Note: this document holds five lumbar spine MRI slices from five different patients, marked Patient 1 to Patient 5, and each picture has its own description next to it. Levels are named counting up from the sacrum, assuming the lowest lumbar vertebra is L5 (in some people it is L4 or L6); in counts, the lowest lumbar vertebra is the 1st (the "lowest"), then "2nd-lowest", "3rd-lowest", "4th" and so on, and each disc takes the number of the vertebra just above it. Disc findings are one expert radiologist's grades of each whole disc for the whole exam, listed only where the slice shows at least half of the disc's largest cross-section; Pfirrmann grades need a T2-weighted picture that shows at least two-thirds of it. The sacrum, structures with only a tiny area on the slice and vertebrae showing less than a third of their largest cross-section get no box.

Patient 1 of 5:
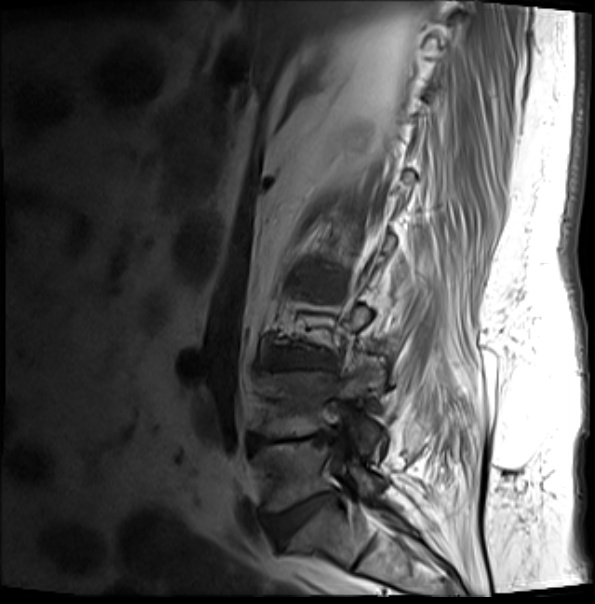
Image 595x604. T1-weighted sagittal MRI of the lumbar spine.

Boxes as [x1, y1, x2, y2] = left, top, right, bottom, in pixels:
L4 vertebra — [253, 362, 382, 453] | intervertebral disc L5/S1 — [272, 493, 336, 543] | L3/L4 — [270, 353, 321, 369] | L4/L5 — [251, 432, 334, 448] | L5 — [253, 441, 384, 512]

Radiological gradings:
- L5/S1: disc bulging, upper-endplate change, Modic type II, lower-endplate change, disc narrowing
- L4/L5: lower-endplate change, upper-endplate change, disc bulging, Modic type II, disc narrowing

Patient 2 of 5:
Lumbar spine MR, T2 SPACE (3D), sagittal. Slice 52 of 120. Field of view 240x300 mm, slice spacing 0.9 mm.
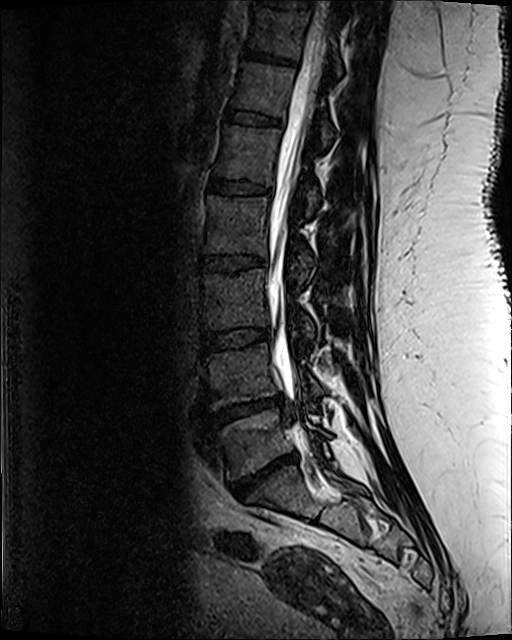 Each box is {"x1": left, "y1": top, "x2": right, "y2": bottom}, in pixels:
Annotations:
* IVD L3/L4 = {"x1": 204, "y1": 329, "x2": 269, "y2": 350}
* L3 vertebra = {"x1": 204, "y1": 270, "x2": 314, "y2": 342}
* L4/L5 = {"x1": 211, "y1": 399, "x2": 283, "y2": 424}
* L5/S1 = {"x1": 231, "y1": 453, "x2": 296, "y2": 497}
* T11 vertebra = {"x1": 250, "y1": 8, "x2": 341, "y2": 75}
* L2/L3 = {"x1": 201, "y1": 256, "x2": 265, "y2": 271}
* IVD L1/L2 = {"x1": 210, "y1": 180, "x2": 270, "y2": 194}
* thecal sac / spinal canal = {"x1": 267, "y1": 5, "x2": 328, "y2": 440}
* L2 vertebra = {"x1": 205, "y1": 197, "x2": 313, "y2": 281}
* T12 vertebra = {"x1": 233, "y1": 63, "x2": 331, "y2": 144}
* L4 = {"x1": 207, "y1": 344, "x2": 321, "y2": 407}
* L1 = {"x1": 215, "y1": 125, "x2": 319, "y2": 215}
* L5 vertebra = {"x1": 213, "y1": 410, "x2": 330, "y2": 478}
* IVD T10/T11 = {"x1": 261, "y1": 0, "x2": 312, "y2": 8}
* IVD T12/L1 = {"x1": 227, "y1": 111, "x2": 282, "y2": 126}
* T11/T12 = {"x1": 244, "y1": 51, "x2": 281, "y2": 62}

Expert MSK radiologist gradings (per disc):
  L4/L5: lower-endplate change, upper-endplate change, disc narrowing, Modic type II, disc herniation
  T12/L1: Pfirrmann grade 3
  L5/S1: Pfirrmann grade 5, Modic type II, disc narrowing, lower-endplate change, disc herniation, upper-endplate change
  L3/L4: Pfirrmann grade 3
  L1/L2: Pfirrmann grade 3, lower-endplate change
  L2/L3: Pfirrmann grade 3, upper-endplate change, lower-endplate change

Patient 3 of 5:
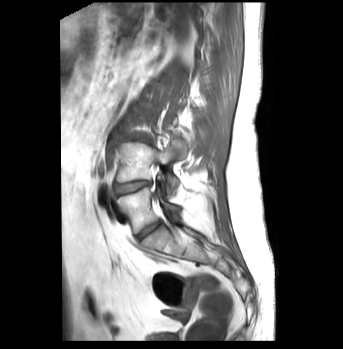 Image 343x349, Slice 29 of 43, Sagittal T1-weighted lumbar spine MRI

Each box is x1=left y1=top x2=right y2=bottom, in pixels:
L5 (lowest vertebra) — x1=118 y1=187 x2=180 y2=233.
L4 (2nd-lowest vertebra) — x1=116 y1=138 x2=186 y2=195.
L4/L5 (2nd-lowest disc) — x1=114 y1=181 x2=151 y2=196.
Disc L3/L4 (3rd-lowest disc) — x1=129 y1=137 x2=151 y2=143.
Disc L5/S1 (lowest disc) — x1=137 y1=219 x2=161 y2=240.

Degenerative findings by level:
  L4/L5 (2nd-lowest disc): disc bulging, disc narrowing, Modic type II, lower-endplate change
  L5/S1 (lowest disc): no herniation, bulging, narrowing, spondylolisthesis, endplate or Modic change recorded

Patient 4 of 5:
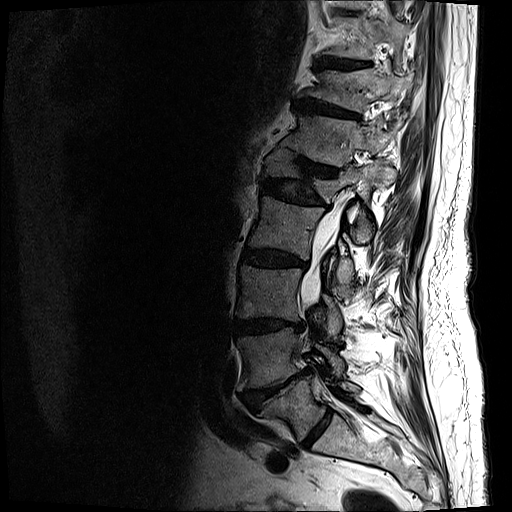

Lumbar spine MR, T2-weighted, sagittal, Slice 7/19
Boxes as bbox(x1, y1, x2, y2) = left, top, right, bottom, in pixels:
L4/L5 = bbox(242, 369, 309, 411).
L1/L2 = bbox(262, 179, 328, 206).
Thecal sac / spinal canal = bbox(301, 199, 346, 309).
T10 = bbox(326, 16, 410, 58).
L1 vertebra = bbox(264, 152, 396, 239).
T12 vertebra = bbox(282, 111, 398, 183).
T11/T12 = bbox(295, 99, 359, 119).
L5 = bbox(264, 371, 359, 440).
L3/L4 = bbox(235, 318, 304, 334).
L3 = bbox(238, 265, 342, 339).
L4 = bbox(238, 327, 344, 388).
Disc T12/L1 = bbox(277, 146, 337, 176).
L2 vertebra = bbox(248, 196, 354, 285).
L2/L3 = bbox(241, 248, 308, 268).
Disc L5/S1 = bbox(303, 410, 332, 447).
T11 = bbox(299, 69, 411, 111).
T10/T11 = bbox(315, 58, 367, 69).

Expert MSK radiologist gradings (per disc):
  L1/L2: Pfirrmann grade 4, disc narrowing, upper-endplate change, lower-endplate change, disc bulging
  T10/T11: Pfirrmann grade 4, upper-endplate change, disc bulging, lower-endplate change
  L3/L4: Pfirrmann grade 4, disc bulging, disc narrowing, lower-endplate change, upper-endplate change
  T11/T12: Pfirrmann grade 4, disc bulging, lower-endplate change, disc narrowing, upper-endplate change
  L4/L5: Pfirrmann grade 5, disc narrowing, upper-endplate change, lower-endplate change, disc herniation, Modic type II, disc bulging
  T12/L1: Pfirrmann grade 4, upper-endplate change, lower-endplate change, disc narrowing, disc bulging
  L2/L3: Pfirrmann grade 4, Modic type II, lower-endplate change, upper-endplate change, disc narrowing, disc bulging
  L5/S1: no spondylolisthesis, narrowing, bulging, herniation, Modic or endplate change recorded

Patient 5 of 5:
Sagittal T2 SPACE (3D) lumbar spine MRI, SIEMENS Avanto_fit (1.5T), Slice 82 of 154

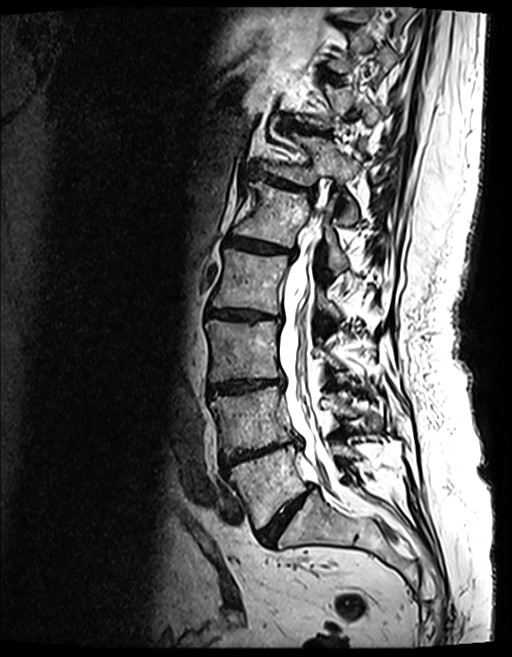

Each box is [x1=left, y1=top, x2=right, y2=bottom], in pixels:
L5 (lowest vertebra) at [x1=229, y1=442, x2=360, y2=528], L4 (2nd-lowest vertebra) at [x1=210, y1=387, x2=381, y2=456], L3/L4 (3rd-lowest disc) at [x1=209, y1=378, x2=282, y2=394], L1 (5th vertebra) at [x1=233, y1=181, x2=348, y2=272], L1/L2 (5th disc) at [x1=227, y1=237, x2=293, y2=256], T11 (7th vertebra) at [x1=295, y1=83, x2=380, y2=131], L4/L5 (2nd-lowest disc) at [x1=222, y1=439, x2=299, y2=470], T10 (8th vertebra) at [x1=324, y1=29, x2=398, y2=74], intervertebral disc T11/T12 (7th disc) at [x1=282, y1=115, x2=329, y2=136], intervertebral disc L2/L3 (4th disc) at [x1=205, y1=307, x2=281, y2=322], L2 (4th vertebra) at [x1=212, y1=249, x2=342, y2=317], T12 (6th vertebra) at [x1=259, y1=130, x2=360, y2=225], thecal sac / spinal canal at [x1=279, y1=198, x2=340, y2=488], L3 (3rd-lowest vertebra) at [x1=205, y1=320, x2=343, y2=381], T10/T11 (8th disc) at [x1=318, y1=69, x2=342, y2=82], T12/L1 (6th disc) at [x1=249, y1=170, x2=313, y2=197], L5/S1 (lowest disc) at [x1=256, y1=485, x2=312, y2=544].

Radiological gradings:
- T12/L1 (6th disc): Pfirrmann grade 4, disc bulging, disc narrowing, upper-endplate change, lower-endplate change, Modic type II
- T11/T12 (7th disc): disc bulging, lower-endplate change, disc narrowing, Modic type II, upper-endplate change
- L4/L5 (2nd-lowest disc): Pfirrmann grade 5, lower-endplate change, disc narrowing, upper-endplate change, disc bulging, Modic type II
- L1/L2 (5th disc): Pfirrmann grade 4, disc narrowing, lower-endplate change, Modic type II, disc bulging, upper-endplate change
- L5/S1 (lowest disc): Pfirrmann grade 4, disc narrowing, disc bulging
- L3/L4 (3rd-lowest disc): Pfirrmann grade 4, Modic type II, disc narrowing, upper-endplate change, lower-endplate change, disc bulging
- L2/L3 (4th disc): Pfirrmann grade 4, disc bulging, disc narrowing, lower-endplate change, Modic type II, upper-endplate change